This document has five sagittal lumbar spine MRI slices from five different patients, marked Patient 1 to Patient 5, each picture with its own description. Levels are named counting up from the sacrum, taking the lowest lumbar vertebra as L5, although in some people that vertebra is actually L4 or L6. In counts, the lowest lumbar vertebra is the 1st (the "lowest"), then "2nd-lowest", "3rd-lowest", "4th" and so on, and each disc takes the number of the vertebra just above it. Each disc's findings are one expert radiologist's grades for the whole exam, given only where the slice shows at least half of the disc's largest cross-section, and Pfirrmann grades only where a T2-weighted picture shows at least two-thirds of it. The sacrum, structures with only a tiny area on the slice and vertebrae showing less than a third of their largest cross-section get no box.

Patient 1 of 5:
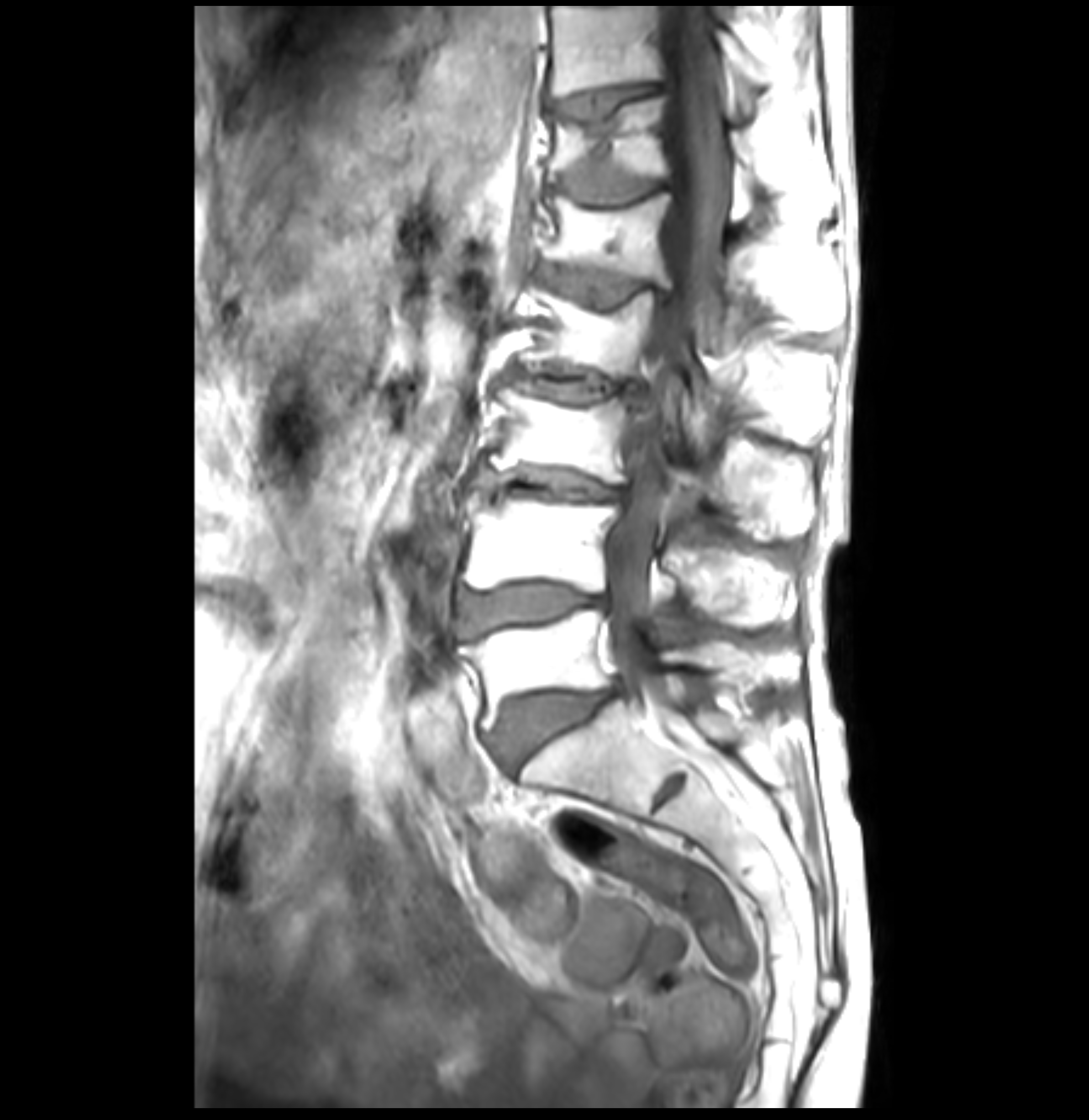 T1-weighted sagittal MRI of the lumbar spine | 1089x1120 px
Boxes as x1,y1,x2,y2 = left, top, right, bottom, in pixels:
L5 at 459,609,800,728; IVD L3/L4 at 472,470,627,500; L1 at 542,193,841,348; IVD L5/S1 at 494,686,620,770; L2 vertebra at 523,289,833,452; L4/L5 at 462,583,610,634; IVD T11/T12 at 554,83,661,122; T12 vertebra at 549,94,841,213; T11 at 549,5,787,103; IVD L2/L3 at 513,368,644,405; IVD L1/L2 at 540,265,673,305; thecal sac / spinal canal at 605,8,731,709; L4 vertebra at 462,490,794,626; L3 vertebra at 491,387,814,534; T12/L1 at 549,158,673,205.

Per-level radiological findings:
• T11/T12: lower-endplate change, Modic type II, upper-endplate change
• L3/L4: upper-endplate change, Modic type II, disc bulging, disc narrowing, lower-endplate change
• L1/L2: upper-endplate change, Modic type II, disc bulging, lower-endplate change
• L2/L3: disc bulging, lower-endplate change, upper-endplate change, disc narrowing, Modic type II
• L5/S1: Modic type II, upper-endplate change, disc bulging, lower-endplate change
• T12/L1: lower-endplate change, Modic type II, upper-endplate change
• L4/L5: disc bulging, Modic type II, upper-endplate change, lower-endplate change

Patient 2 of 5:
Lumbar spine MR, T1-weighted, sagittal | Patient sex: F | Field of view 280x280 mm, slice spacing 4.4 mm

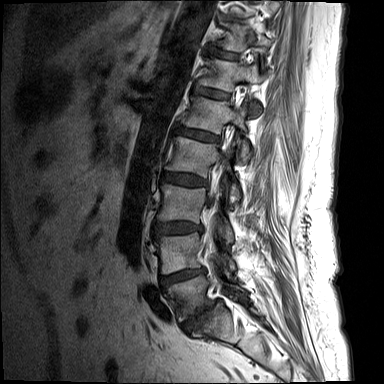
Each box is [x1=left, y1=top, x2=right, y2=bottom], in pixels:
L1 vertebra: [x1=184, y1=96, x2=249, y2=159] | T11 vertebra: [x1=221, y1=24, x2=270, y2=52] | L5/S1: [x1=182, y1=300, x2=220, y2=330] | T12 vertebra: [x1=199, y1=58, x2=261, y2=108] | disc L3/L4: [x1=154, y1=222, x2=202, y2=234] | disc L2/L3: [x1=162, y1=173, x2=207, y2=186] | L3: [x1=157, y1=184, x2=233, y2=242] | L4: [x1=155, y1=232, x2=234, y2=273] | disc L1/L2: [x1=176, y1=127, x2=219, y2=141] | T10/T11: [x1=225, y1=17, x2=242, y2=21] | T12/L1: [x1=194, y1=86, x2=228, y2=99] | disc T11/T12: [x1=208, y1=47, x2=238, y2=59] | L5: [x1=167, y1=274, x2=247, y2=321] | L2 vertebra: [x1=165, y1=136, x2=241, y2=202] | spinal canal: [x1=205, y1=110, x2=237, y2=252] | L4/L5: [x1=160, y1=268, x2=205, y2=287]

Per-level radiological findings:
  L3/L4: disc bulging
  T11/T12: Modic type II, upper-endplate change
  L4/L5: disc narrowing, lower-endplate change, upper-endplate change, Modic type II, disc bulging
  L2/L3: disc bulging
  T12/L1: Modic type II
  L1/L2: disc bulging

Patient 3 of 5:
MRI lumbar spine (T2-weighted), sagittal plane.
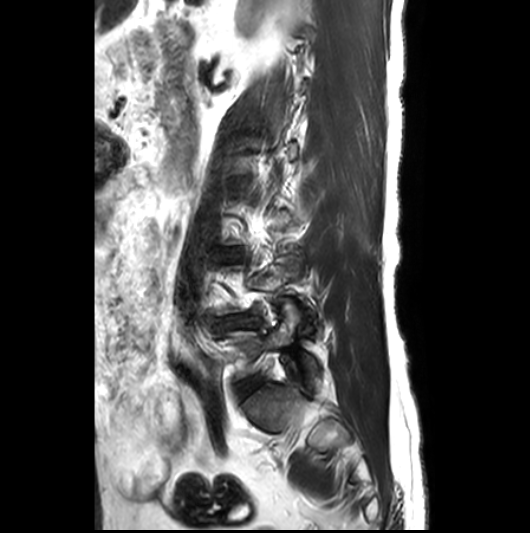

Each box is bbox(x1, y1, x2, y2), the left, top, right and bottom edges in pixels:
Disc L3/L4 at bbox(222, 249, 241, 260); disc L5/S1 at bbox(238, 377, 261, 398); disc L4/L5 at bbox(216, 314, 259, 328); L5 vertebra at bbox(226, 307, 318, 387).

Patient 4 of 5:
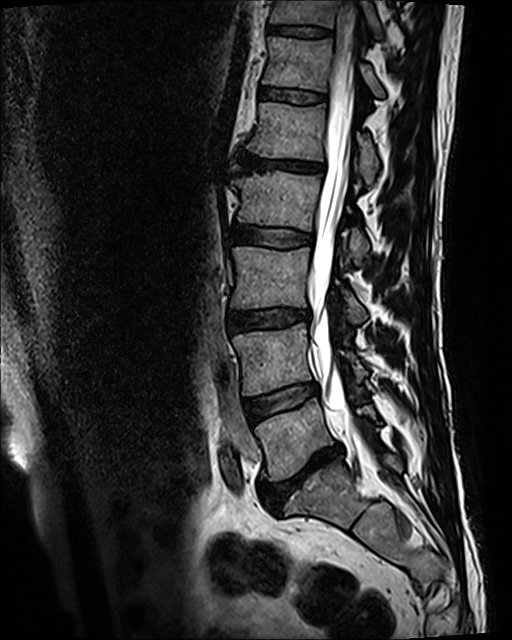 Lumbar spine MR, T2 SPACE (3D), sagittal, Field of view 240x300 mm, Slice 73 of 120, Sex M

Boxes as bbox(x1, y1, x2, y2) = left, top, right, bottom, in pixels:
Segmented structures:
• 7th vertebra at bbox(270, 0, 380, 35)
• 5th disc at bbox(238, 152, 324, 173)
• 3rd-lowest vertebra at bbox(230, 247, 365, 323)
• 2nd-lowest disc at bbox(244, 383, 317, 420)
• 4th vertebra at bbox(232, 170, 368, 264)
• 6th disc at bbox(259, 86, 326, 102)
• 7th disc at bbox(268, 26, 331, 35)
• lowest vertebra at bbox(255, 398, 376, 481)
• 2nd-lowest vertebra at bbox(232, 323, 366, 395)
• 4th disc at bbox(229, 223, 314, 246)
• 3rd-lowest disc at bbox(227, 309, 310, 331)
• 6th vertebra at bbox(262, 37, 384, 96)
• 5th vertebra at bbox(246, 101, 378, 184)
• spinal canal at bbox(310, 3, 366, 450)
• lowest disc at bbox(259, 443, 343, 509)

Degenerative findings by level:
  3rd-lowest disc: Pfirrmann grade 3, disc bulging, lower-endplate change, upper-endplate change
  5th disc: Pfirrmann grade 5, Modic type II, upper-endplate change, disc bulging, lower-endplate change, disc narrowing
  7th disc: Pfirrmann grade 3, lower-endplate change, upper-endplate change
  6th disc: Pfirrmann grade 3
  lowest disc: Pfirrmann grade 5, lower-endplate change, Modic type II, disc narrowing, disc bulging, upper-endplate change
  2nd-lowest disc: Pfirrmann grade 3, Modic type II
  4th disc: Pfirrmann grade 3

Patient 5 of 5:
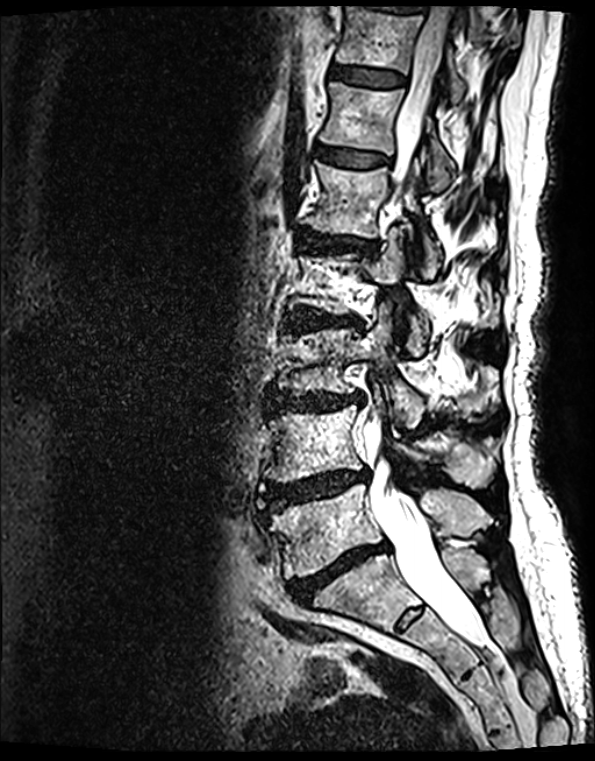
Sex F; Sagittal slice index 58; Lumbar spine MR, T2 SPACE (3D), sagittal

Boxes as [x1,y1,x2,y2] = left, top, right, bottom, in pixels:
Annotations:
- 7th disc = [330,67,404,88]
- 4th vertebra = [291,231,495,356]
- 5th disc = [299,233,369,250]
- lowest disc = [291,544,384,602]
- 2nd-lowest vertebra = [265,398,493,488]
- spinal canal = [370,7,477,642]
- 3rd-lowest vertebra = [277,306,495,428]
- 5th vertebra = [307,163,441,278]
- 4th disc = [289,310,356,328]
- 3rd-lowest disc = [269,392,361,409]
- 7th vertebra = [336,7,464,102]
- 2nd-lowest disc = [266,471,369,509]
- 6th vertebra = [321,83,452,192]
- 6th disc = [316,147,385,168]
- lowest vertebra = [270,484,491,579]

Degenerative findings by level:
  3rd-lowest disc: Pfirrmann grade 4, disc narrowing, lower-endplate change, Modic type II, upper-endplate change, disc bulging
  6th disc: Pfirrmann grade 2, lower-endplate change, Modic type II, upper-endplate change
  7th disc: Pfirrmann grade 2, upper-endplate change, Modic type II, lower-endplate change
  4th disc: lower-endplate change, Modic type II, disc narrowing, disc bulging, upper-endplate change
  2nd-lowest disc: Pfirrmann grade 4, disc narrowing, disc bulging, disc herniation, lower-endplate change, Modic type II, upper-endplate change
  lowest disc: Pfirrmann grade 5, Modic type II, upper-endplate change, disc bulging, lower-endplate change, disc narrowing
  5th disc: Pfirrmann grade 4, upper-endplate change, disc narrowing, Modic type II, disc bulging, lower-endplate change